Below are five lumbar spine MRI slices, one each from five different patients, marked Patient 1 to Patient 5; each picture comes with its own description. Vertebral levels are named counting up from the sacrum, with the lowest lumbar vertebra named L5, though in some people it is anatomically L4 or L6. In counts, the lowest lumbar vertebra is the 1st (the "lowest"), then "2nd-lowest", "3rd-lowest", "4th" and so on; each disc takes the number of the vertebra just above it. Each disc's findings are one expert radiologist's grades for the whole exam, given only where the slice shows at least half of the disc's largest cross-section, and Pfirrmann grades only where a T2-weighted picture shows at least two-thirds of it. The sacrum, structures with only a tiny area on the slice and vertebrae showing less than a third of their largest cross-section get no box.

Patient 1 of 5:
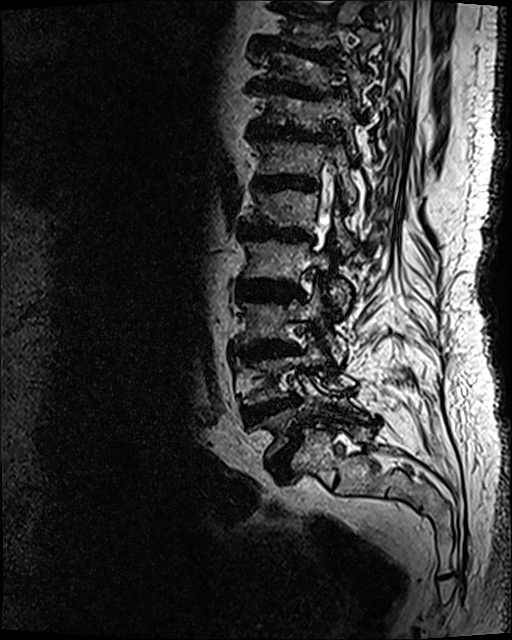

Sagittal T2 SPACE (3D) lumbar spine MRI, Sex M, Slice spacing 0.9 mm, Image 512x640

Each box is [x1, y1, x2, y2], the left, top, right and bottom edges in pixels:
Thecal sac / spinal canal — [320, 198, 332, 226].
L2 (4th vertebra) — [242, 231, 353, 312].
L1 (5th vertebra) — [249, 188, 354, 257].
Disc L3/L4 (3rd-lowest disc) — [241, 341, 297, 360].
T12 (6th vertebra) — [255, 139, 357, 205].
L5 (lowest vertebra) — [249, 373, 358, 458].
L4/L5 (2nd-lowest disc) — [241, 394, 301, 424].
L5/S1 (lowest disc) — [267, 428, 301, 479].
L3 (3rd-lowest vertebra) — [239, 281, 347, 364].
Disc T10/T11 (8th disc) — [250, 77, 336, 99].
L4 (2nd-lowest vertebra) — [243, 331, 342, 404].
T9/T10 (9th disc) — [251, 45, 339, 67].
Disc T11/T12 (7th disc) — [249, 120, 331, 142].
Disc L1/L2 (5th disc) — [240, 223, 316, 243].
Disc L2/L3 (4th disc) — [238, 280, 301, 300].
T11 (7th vertebra) — [255, 91, 356, 158].
T10 (8th vertebra) — [261, 51, 371, 108].
Disc T12/L1 (6th disc) — [255, 174, 320, 192].

Degenerative findings by level:
  T10/T11 (8th disc): Pfirrmann grade 5, disc narrowing, lower-endplate change, Modic type II, disc bulging, upper-endplate change
  L4/L5 (2nd-lowest disc): lower-endplate change, disc narrowing, upper-endplate change, Modic type II, disc bulging
  T11/T12 (7th disc): Pfirrmann grade 5, upper-endplate change, Modic type II, lower-endplate change, disc bulging, disc narrowing
  L2/L3 (4th disc): Pfirrmann grade 5, Modic type II, disc narrowing, lower-endplate change, disc bulging, upper-endplate change
  T9/T10 (9th disc): Pfirrmann grade 5, disc bulging, lower-endplate change, upper-endplate change, Modic type II, disc narrowing
  L5/S1 (lowest disc): Pfirrmann grade 5, spondylolisthesis, lower-endplate change, Modic type II, upper-endplate change, disc narrowing, disc bulging
  L3/L4 (3rd-lowest disc): disc bulging, lower-endplate change, Modic type II, disc narrowing, upper-endplate change
  L1/L2 (5th disc): Pfirrmann grade 5, Modic type II, disc bulging, upper-endplate change, disc narrowing, lower-endplate change
  T12/L1 (6th disc): Pfirrmann grade 5, disc narrowing, disc bulging, Modic type II, lower-endplate change, upper-endplate change

Patient 2 of 5:
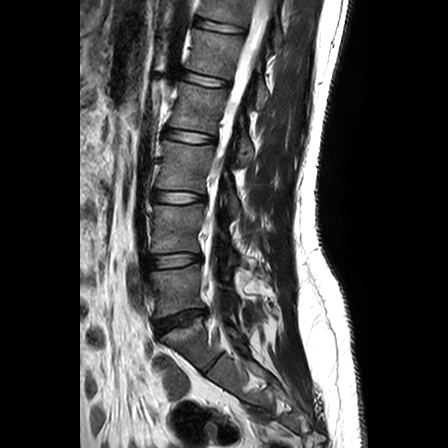
Slice 9/24 | MRI lumbar spine (T2-weighted), sagittal plane | Image 448x448

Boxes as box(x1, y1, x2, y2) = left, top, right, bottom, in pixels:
6th vertebra at box(199, 0, 282, 45); 3rd-lowest vertebra at box(157, 141, 239, 213); 2nd-lowest disc at box(151, 254, 201, 268); 5th vertebra at box(186, 30, 268, 108); thecal sac / spinal canal at box(206, 0, 271, 233); lowest disc at box(156, 309, 208, 334); 2nd-lowest vertebra at box(151, 204, 238, 264); 4th disc at box(164, 127, 214, 142); 3rd-lowest disc at box(153, 191, 205, 202); 6th disc at box(196, 18, 244, 34); lowest vertebra at box(151, 264, 236, 318); 5th disc at box(181, 71, 230, 87); 4th vertebra at box(170, 81, 253, 162).

Degenerative findings by level:
• 3rd-lowest disc: Pfirrmann grade 1
• 4th disc: Pfirrmann grade 1
• 2nd-lowest disc: Pfirrmann grade 1
• 5th disc: Pfirrmann grade 1
• lowest disc: disc herniation, upper-endplate change, Modic type II, lower-endplate change
• 6th disc: Pfirrmann grade 1

Patient 3 of 5:
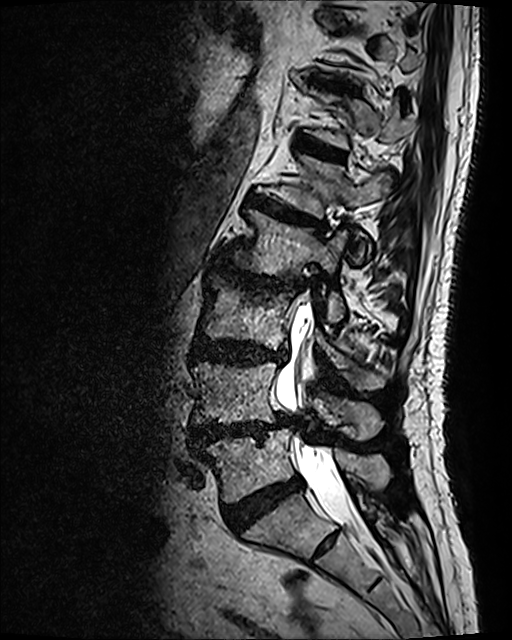 Slice 64 of 120, T2 SPACE (3D) sagittal MRI of the lumbar spine

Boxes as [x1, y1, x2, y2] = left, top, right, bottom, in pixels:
Segmented structures:
- disc L3/L4 at [193, 337, 287, 365]
- L2/L3 at [216, 262, 301, 292]
- L5 vertebra at [207, 428, 391, 501]
- disc L1/L2 at [249, 196, 325, 229]
- disc T12/L1 at [298, 138, 344, 161]
- L5/S1 at [224, 475, 302, 532]
- L3 vertebra at [198, 277, 384, 391]
- disc L4/L5 at [191, 412, 292, 448]
- spinal canal at [276, 304, 368, 538]
- T12 vertebra at [304, 87, 414, 149]
- disc T11/T12 at [309, 76, 353, 93]
- L4 vertebra at [192, 361, 382, 440]
- L1 at [273, 155, 390, 262]
- L2 vertebra at [226, 209, 347, 323]

Degenerative findings by level:
- L5/S1: Pfirrmann grade 4
- L4/L5: Pfirrmann grade 4, disc bulging, upper-endplate change, lower-endplate change, Modic type II, disc narrowing, disc herniation, spondylolisthesis
- L3/L4: Pfirrmann grade 4, lower-endplate change, disc bulging, upper-endplate change
- L1/L2: disc bulging, Modic type II, lower-endplate change, upper-endplate change
- L2/L3: Pfirrmann grade 4, disc narrowing, lower-endplate change, disc bulging, upper-endplate change, Modic type I

Patient 4 of 5:
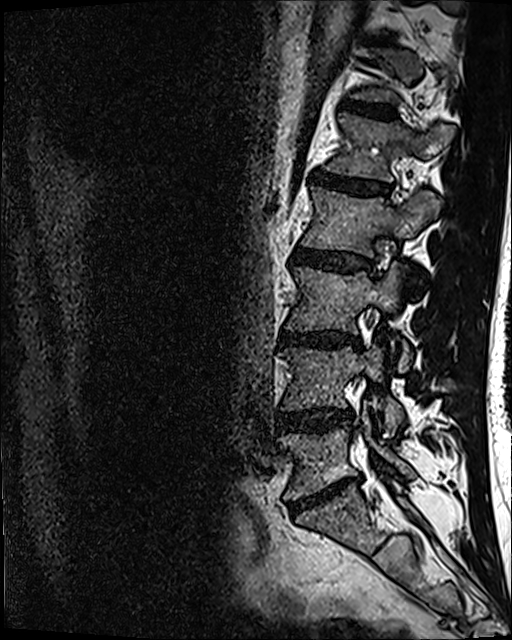

MRI lumbar spine (T2 SPACE (3D)), sagittal plane
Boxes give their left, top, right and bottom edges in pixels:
L2: left=302, top=187, right=439, bottom=256
L5/S1: left=290, top=476, right=359, bottom=513
L5 vertebra: left=277, top=407, right=414, bottom=499
intervertebral disc T12/L1: left=343, top=101, right=396, bottom=118
L2/L3: left=292, top=249, right=372, bottom=271
L3 vertebra: left=287, top=265, right=410, bottom=372
intervertebral disc L1/L2: left=313, top=170, right=390, bottom=195
intervertebral disc T11/T12: left=369, top=37, right=386, bottom=44
intervertebral disc L3/L4: left=279, top=331, right=360, bottom=346
L4/L5: left=276, top=409, right=351, bottom=431
L4: left=281, top=346, right=404, bottom=436
L1: left=327, top=113, right=454, bottom=181

Radiological gradings:
  L4/L5: Pfirrmann grade 3, disc narrowing, disc bulging
  L2/L3: Pfirrmann grade 3, disc bulging
  L1/L2: Pfirrmann grade 4
  L3/L4: Pfirrmann grade 4, disc bulging, lower-endplate change, disc narrowing
  L5/S1: Modic type II, disc narrowing, disc bulging
  T12/L1: no Modic or endplate change, herniation, narrowing, bulging or spondylolisthesis recorded

Patient 5 of 5:
Sagittal T1-weighted lumbar spine MRI; Philips Healthcare Ingenia (3T); Slice 12 of 26; Sex F
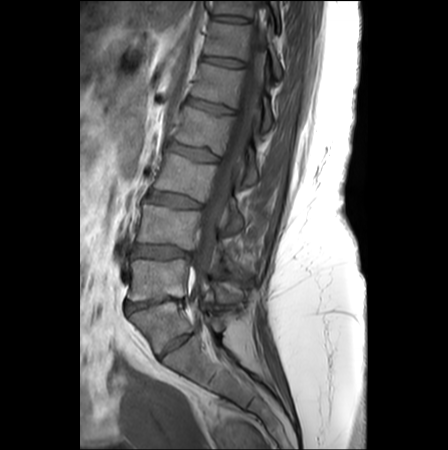 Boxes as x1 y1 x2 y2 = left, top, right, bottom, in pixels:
L3 vertebra: 154 153 242 229.
L2/L3: 166 141 217 160.
T12/L1: 202 57 240 67.
L2 vertebra: 174 107 257 187.
L5: 128 260 242 302.
L1/L2: 187 98 232 112.
L4 vertebra: 137 204 235 270.
L1 vertebra: 191 63 272 130.
Intervertebral disc L3/L4: 146 190 200 207.
L4/L5: 132 244 191 260.
T11: 213 1 278 24.
Intervertebral disc L5/S1: 125 297 183 313.
T11/T12: 212 16 247 22.
Spinal canal: 189 21 265 327.
T12 vertebra: 204 23 281 78.

Radiological gradings:
- L2/L3: upper-endplate change, lower-endplate change
- L5/S1: disc narrowing, spondylolisthesis, Modic type II, disc bulging
- L3/L4: disc bulging, Modic type II
- L4/L5: disc bulging, disc herniation
- L1/L2: lower-endplate change, upper-endplate change
- T11/T12, T12/L1: no spondylolisthesis, narrowing, bulging, herniation, Modic or endplate change recorded